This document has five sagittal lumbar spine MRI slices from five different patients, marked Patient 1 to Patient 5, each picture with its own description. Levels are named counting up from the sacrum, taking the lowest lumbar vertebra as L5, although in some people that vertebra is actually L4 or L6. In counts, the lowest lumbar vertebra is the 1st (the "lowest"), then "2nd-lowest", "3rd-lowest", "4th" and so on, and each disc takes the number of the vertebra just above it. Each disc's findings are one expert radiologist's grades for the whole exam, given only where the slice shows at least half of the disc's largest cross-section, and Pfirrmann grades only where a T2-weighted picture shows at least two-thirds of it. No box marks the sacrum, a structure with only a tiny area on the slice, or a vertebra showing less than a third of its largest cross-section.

Patient 1 of 5:
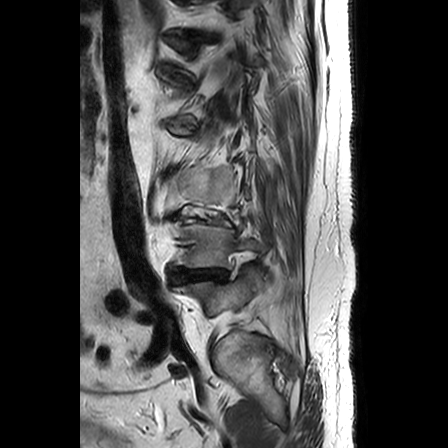
T2-weighted sagittal MRI of the lumbar spine, 448x448 px
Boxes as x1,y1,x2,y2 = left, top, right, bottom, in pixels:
2nd-lowest vertebra: 178,223,259,267.
Lowest vertebra: 174,268,262,315.
3rd-lowest disc: 183,219,229,226.
2nd-lowest disc: 173,269,226,282.

Expert MSK radiologist gradings (per disc):
• 2nd-lowest disc: Pfirrmann grade 5, Modic type II, disc narrowing, disc herniation, disc bulging
• 3rd-lowest disc: disc narrowing, disc herniation, disc bulging, Modic type II

Patient 2 of 5:
MRI lumbar spine (T1-weighted), sagittal plane | Slice spacing 3.3 mm | Slice 19/26 | Image 503x501

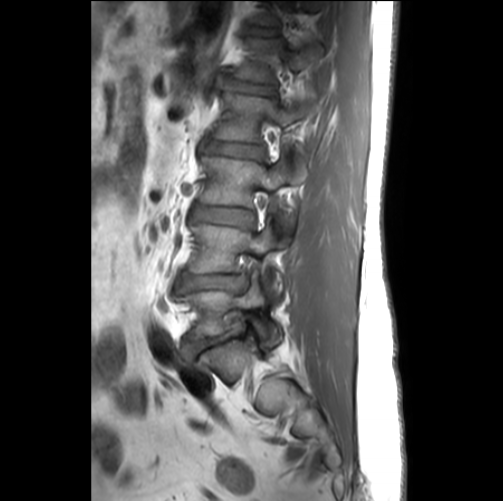
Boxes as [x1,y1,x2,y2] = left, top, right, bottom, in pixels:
• L5/S1 = [181,331,239,358]
• L2 = [215,94,312,141]
• L5 vertebra = [176,277,283,343]
• L3/L4 = [192,206,254,224]
• L3 vertebra = [200,155,307,225]
• L1 vertebra = [234,38,321,82]
• L4 = [190,224,289,296]
• L4/L5 = [176,274,244,293]
• disc L1/L2 = [232,80,271,95]
• disc L2/L3 = [207,141,263,157]
• disc T12/L1 = [250,26,275,35]

Expert MSK radiologist gradings (per disc):
  L4/L5: Modic type II, upper-endplate change, disc narrowing, lower-endplate change, disc bulging
  L2/L3, L1/L2, L3/L4: no herniation, bulging, narrowing, spondylolisthesis, endplate or Modic change recorded

Patient 3 of 5:
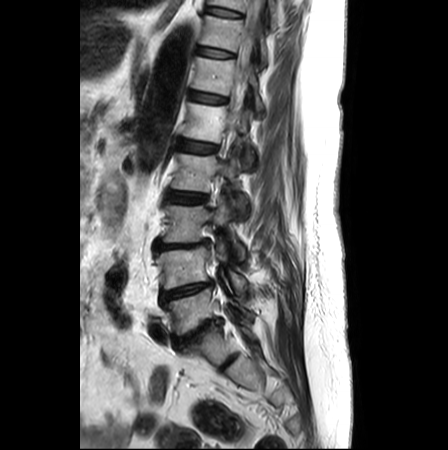 Sex F, Sagittal T2-weighted lumbar spine MRI
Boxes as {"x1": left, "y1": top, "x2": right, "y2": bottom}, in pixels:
4th disc: {"x1": 167, "y1": 191, "x2": 207, "y2": 202}.
Thecal sac / spinal canal: {"x1": 213, "y1": 0, "x2": 264, "y2": 258}.
4th vertebra: {"x1": 171, "y1": 153, "x2": 247, "y2": 213}.
8th disc: {"x1": 207, "y1": 7, "x2": 241, "y2": 15}.
7th vertebra: {"x1": 199, "y1": 14, "x2": 267, "y2": 68}.
6th disc: {"x1": 190, "y1": 91, "x2": 226, "y2": 103}.
5th vertebra: {"x1": 183, "y1": 103, "x2": 253, "y2": 168}.
2nd-lowest disc: {"x1": 160, "y1": 282, "x2": 212, "y2": 303}.
6th vertebra: {"x1": 192, "y1": 57, "x2": 262, "y2": 109}.
3rd-lowest disc: {"x1": 154, "y1": 240, "x2": 208, "y2": 249}.
5th disc: {"x1": 177, "y1": 138, "x2": 217, "y2": 153}.
3rd-lowest vertebra: {"x1": 163, "y1": 201, "x2": 245, "y2": 260}.
2nd-lowest vertebra: {"x1": 155, "y1": 242, "x2": 246, "y2": 292}.
Lowest vertebra: {"x1": 165, "y1": 288, "x2": 253, "y2": 335}.
Lowest disc: {"x1": 175, "y1": 320, "x2": 218, "y2": 345}.
7th disc: {"x1": 197, "y1": 47, "x2": 234, "y2": 57}.
8th vertebra: {"x1": 208, "y1": 0, "x2": 277, "y2": 26}.

Degenerative findings by level:
• 7th disc: Pfirrmann grade 1
• 6th disc: Pfirrmann grade 2
• 3rd-lowest disc: disc narrowing, lower-endplate change, disc bulging, upper-endplate change
• 4th disc: Pfirrmann grade 3, disc bulging
• 5th disc: Pfirrmann grade 2
• lowest disc: Pfirrmann grade 5, disc bulging, upper-endplate change, lower-endplate change, Modic type II, disc narrowing
• 8th disc: Pfirrmann grade 1
• 2nd-lowest disc: Pfirrmann grade 5, disc narrowing, disc bulging

Patient 4 of 5:
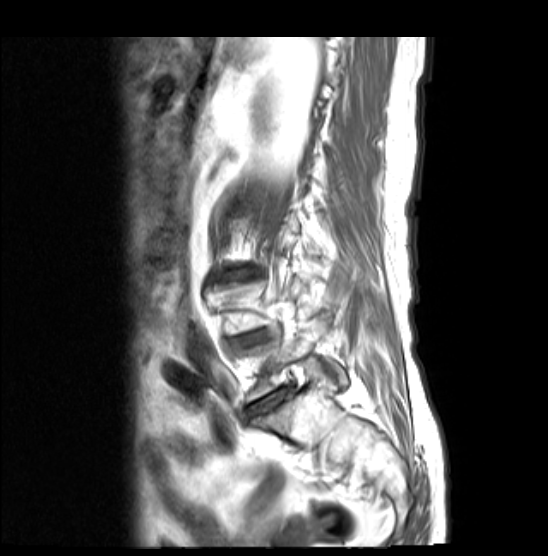
548x556 px, MRI lumbar spine (T1-weighted), sagittal plane, Slice 4/19
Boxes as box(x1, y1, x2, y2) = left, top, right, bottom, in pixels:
* 2nd-lowest disc = box(230, 331, 270, 347)
* lowest disc = box(247, 388, 287, 417)

Patient 5 of 5:
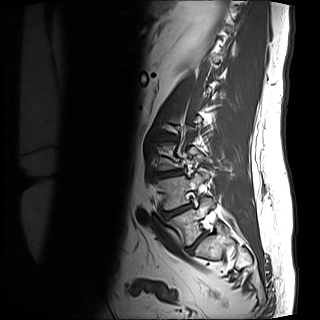 Sex M, MRI lumbar spine (T1-weighted), sagittal plane

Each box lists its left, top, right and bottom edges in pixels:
IVD L5/S1 — left=187, top=235, right=204, bottom=253 | L4 — left=157, top=171, right=209, bottom=210 | L5 — left=166, top=197, right=214, bottom=245 | L3/L4 — left=156, top=170, right=183, bottom=178 | IVD L4/L5 — left=163, top=204, right=192, bottom=219

Radiological gradings:
• L4/L5: disc narrowing, disc bulging
• L3/L4: disc bulging, disc narrowing